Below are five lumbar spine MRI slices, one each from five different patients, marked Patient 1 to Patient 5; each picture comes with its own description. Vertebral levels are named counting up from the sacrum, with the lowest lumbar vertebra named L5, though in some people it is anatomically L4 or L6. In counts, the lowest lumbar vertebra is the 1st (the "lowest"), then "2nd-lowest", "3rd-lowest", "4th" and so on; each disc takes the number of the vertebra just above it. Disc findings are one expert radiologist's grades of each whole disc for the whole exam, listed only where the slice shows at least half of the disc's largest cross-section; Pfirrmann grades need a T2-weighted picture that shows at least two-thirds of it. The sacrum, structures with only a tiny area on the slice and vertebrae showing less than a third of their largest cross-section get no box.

Patient 1 of 5:
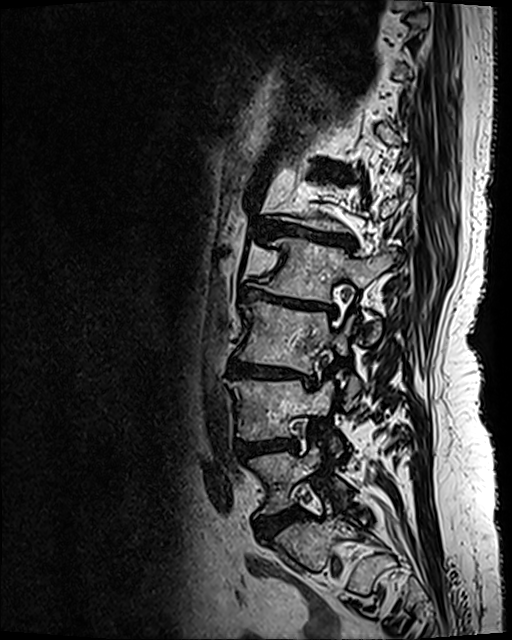 Lumbar spine MR, T2 SPACE (3D), sagittal. Image 512x640. Sagittal slice index 79.
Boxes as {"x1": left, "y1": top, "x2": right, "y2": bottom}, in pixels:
L2/L3: {"x1": 241, "y1": 287, "x2": 335, "y2": 314} | L5/S1: {"x1": 257, "y1": 507, "x2": 302, "y2": 539} | IVD L3/L4: {"x1": 227, "y1": 360, "x2": 315, "y2": 386} | IVD L4/L5: {"x1": 235, "y1": 437, "x2": 297, "y2": 456} | L3: {"x1": 236, "y1": 301, "x2": 360, "y2": 407} | L5 vertebra: {"x1": 250, "y1": 447, "x2": 347, "y2": 513} | L4: {"x1": 228, "y1": 381, "x2": 339, "y2": 447} | L2 vertebra: {"x1": 251, "y1": 239, "x2": 397, "y2": 340} | IVD L1/L2: {"x1": 267, "y1": 222, "x2": 352, "y2": 247} | IVD T12/L1: {"x1": 335, "y1": 171, "x2": 345, "y2": 177}

Per-level radiological findings:
  L2/L3: disc bulging, Modic type II, disc narrowing, lower-endplate change, upper-endplate change
  L3/L4: Pfirrmann grade 5, Modic type II, disc narrowing, lower-endplate change, upper-endplate change, disc bulging
  L4/L5: upper-endplate change, disc bulging, lower-endplate change
  L1/L2: Pfirrmann grade 5, disc narrowing, upper-endplate change, lower-endplate change, disc bulging, Modic type II

Patient 2 of 5:
Scanner: SIEMENS Aera (1.5T), Lumbar spine MR, T1-weighted, sagittal, Patient sex: M
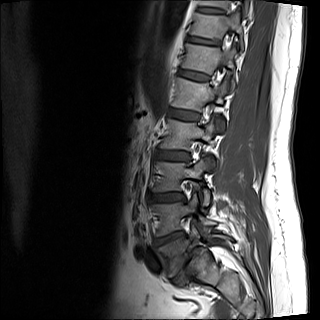 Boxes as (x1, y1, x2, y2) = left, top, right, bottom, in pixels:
Annotations:
• T11 (7th vertebra) = (190, 11, 244, 50)
• L2 (4th vertebra) = (160, 118, 219, 150)
• L4 (2nd-lowest vertebra) = (151, 193, 215, 236)
• T11/T12 (7th disc) = (187, 36, 220, 45)
• L3 (3rd-lowest vertebra) = (152, 156, 210, 205)
• L3/L4 (3rd-lowest disc) = (149, 192, 185, 202)
• disc T10/T11 (8th disc) = (197, 7, 224, 13)
• disc T12/L1 (6th disc) = (179, 69, 209, 80)
• disc L4/L5 (2nd-lowest disc) = (153, 231, 184, 246)
• T10 (8th vertebra) = (199, 0, 248, 15)
• L5 (lowest vertebra) = (157, 224, 231, 276)
• disc L5/S1 (lowest disc) = (174, 245, 199, 285)
• L1 (5th vertebra) = (171, 77, 226, 128)
• T12 (6th vertebra) = (182, 43, 235, 89)
• disc L1/L2 (5th disc) = (167, 108, 200, 120)
• L2/L3 (4th disc) = (154, 149, 190, 162)

Degenerative findings by level:
- L5/S1 (lowest disc): disc narrowing, disc bulging, lower-endplate change, upper-endplate change, spondylolisthesis, Modic type II
- L3/L4 (3rd-lowest disc): disc bulging
- L1/L2 (5th disc): disc bulging
- L2/L3 (4th disc): disc bulging
- T10/T11 (8th disc): upper-endplate change
- L4/L5 (2nd-lowest disc): disc herniation, lower-endplate change, Modic type II, upper-endplate change, disc narrowing
- T11/T12 (7th disc): disc narrowing, lower-endplate change
- T12/L1 (6th disc): no Modic or endplate change, herniation, narrowing, bulging or spondylolisthesis recorded

Patient 3 of 5:
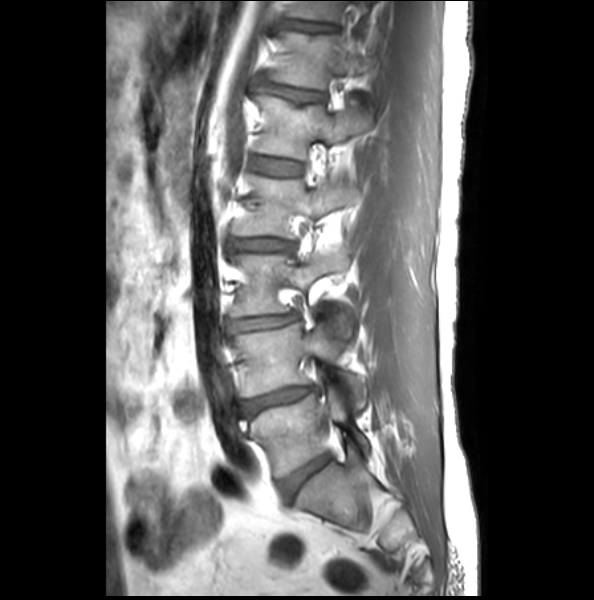 T1-weighted sagittal MRI of the lumbar spine
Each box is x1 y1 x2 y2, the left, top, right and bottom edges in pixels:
L3 vertebra: 231 248 352 336.
Disc L1/L2: 252 157 301 176.
Disc L4/L5: 239 385 317 417.
T12/L1: 261 83 324 102.
L1 vertebra: 256 96 372 160.
T11/T12: 286 21 333 32.
L2 vertebra: 232 175 357 238.
L3/L4: 229 314 297 332.
L4 vertebra: 232 323 368 409.
Disc L5/S1: 278 452 332 497.
Disc L2/L3: 231 239 293 251.
T12: 269 34 368 90.
T11: 289 2 340 22.
L5: 241 373 370 476.

Radiological gradings:
- L5/S1: lower-endplate change, upper-endplate change
- L2/L3: disc bulging, disc narrowing
- L1/L2: upper-endplate change
- T11/T12: upper-endplate change, lower-endplate change, disc bulging
- L3/L4: disc bulging, disc narrowing
- L4/L5: lower-endplate change, disc narrowing, disc bulging
- T12/L1: upper-endplate change, disc bulging

Patient 4 of 5:
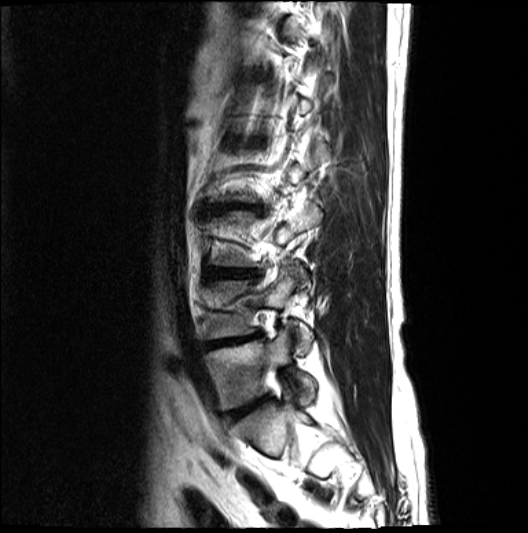

Lumbar spine MR, T2-weighted, sagittal. Sagittal slice index 4. Sex M.
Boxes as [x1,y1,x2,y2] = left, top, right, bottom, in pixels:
L3/L4 at [213,270,253,277], L4/L5 at [209,338,248,348], L5 vertebra at [208,330,315,409], IVD L5/S1 at [230,399,264,420], L4 at [208,265,312,352].

Patient 5 of 5:
T2 SPACE (3D) sagittal MRI of the lumbar spine | Slice 56 of 120 | Image 512x640 | Patient sex: M
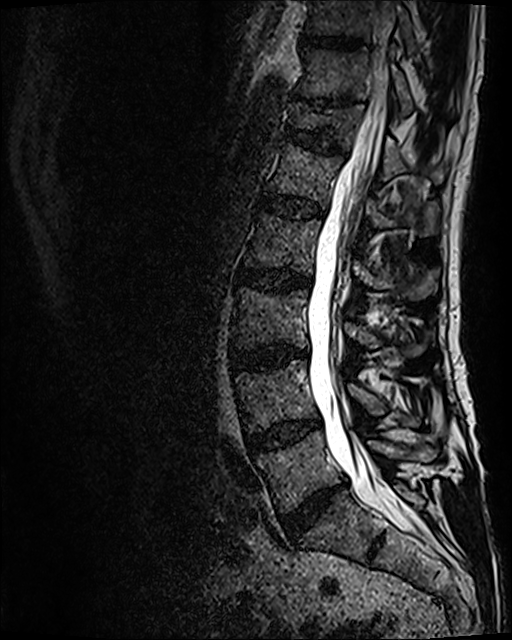 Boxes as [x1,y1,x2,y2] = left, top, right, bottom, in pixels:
2nd-lowest vertebra at [235,360,421,432].
6th disc at [283,126,344,154].
6th vertebra at [288,102,446,182].
8th disc at [301,36,360,48].
3rd-lowest vertebra at [232,287,426,356].
Lowest disc at [281,485,341,539].
2nd-lowest disc at [246,421,320,449].
3rd-lowest disc at [231,346,307,370].
5th disc at [260,193,322,218].
8th vertebra at [306,0,416,53].
7th disc at [314,99,352,108].
4th vertebra at [244,212,439,300].
Spinal canal at [307,1,415,530].
Lowest vertebra at [256,431,436,513].
5th vertebra at [267,141,439,236].
4th disc at [237,268,310,290].
7th vertebra at [295,47,455,115].

Per-level radiological findings:
  6th disc: Pfirrmann grade 3, lower-endplate change, upper-endplate change
  4th disc: Pfirrmann grade 3, Modic type II, disc bulging
  lowest disc: Pfirrmann grade 4, disc bulging, disc narrowing
  2nd-lowest disc: Pfirrmann grade 3, disc bulging, Modic type II
  5th disc: Pfirrmann grade 3
  7th disc: disc narrowing, lower-endplate change, upper-endplate change
  8th disc: Pfirrmann grade 3
  3rd-lowest disc: Pfirrmann grade 4, disc narrowing, disc bulging, Modic type II